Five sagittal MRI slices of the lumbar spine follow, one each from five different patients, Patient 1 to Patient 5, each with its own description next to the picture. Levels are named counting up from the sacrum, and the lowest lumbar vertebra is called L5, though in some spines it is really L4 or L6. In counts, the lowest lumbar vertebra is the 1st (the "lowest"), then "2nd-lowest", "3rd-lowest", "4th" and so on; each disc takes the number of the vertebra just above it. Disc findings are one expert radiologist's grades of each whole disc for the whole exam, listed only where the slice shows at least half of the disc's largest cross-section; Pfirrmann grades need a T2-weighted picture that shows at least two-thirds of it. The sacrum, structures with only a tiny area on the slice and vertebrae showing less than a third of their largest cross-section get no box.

Patient 1 of 5:
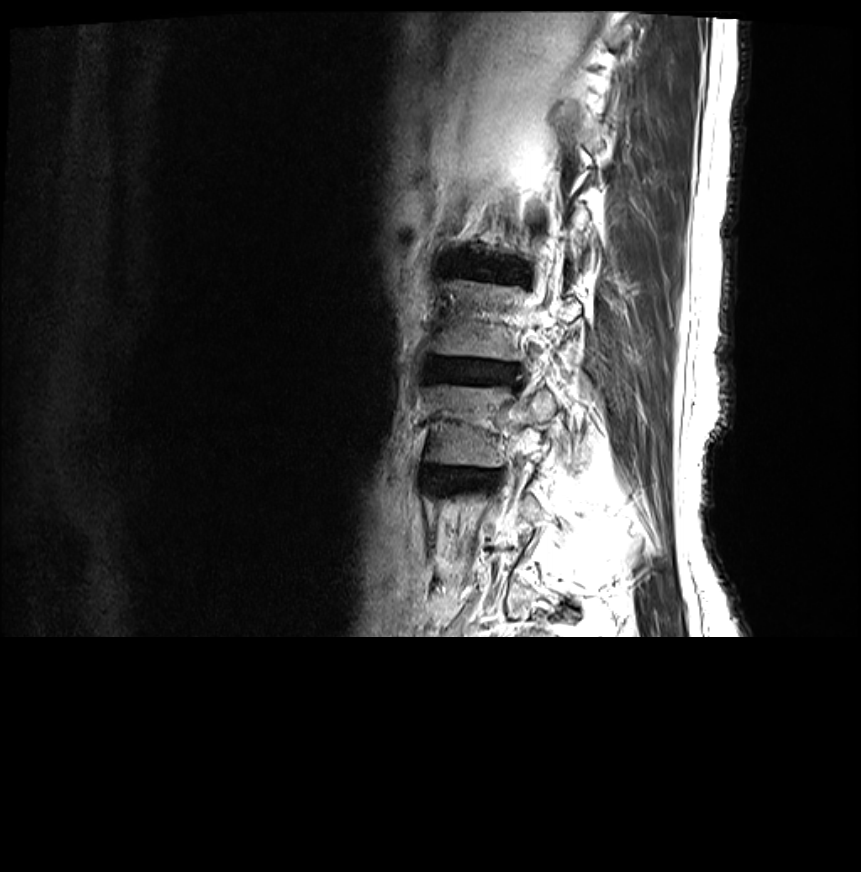
Sagittal T2-weighted lumbar spine MRI | Field of view 300x304 mm, slice spacing 3.3 mm

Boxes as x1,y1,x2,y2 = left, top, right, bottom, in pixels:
3rd-lowest vertebra at 429,385,557,467.
5th disc at 447,261,524,279.
3rd-lowest disc at 441,471,483,486.
4th vertebra at 430,280,581,362.
4th disc at 427,361,515,382.

Degenerative findings by level:
- 5th disc: upper-endplate change, disc bulging, lower-endplate change, Modic type II, disc narrowing
- 4th disc: Pfirrmann grade 4, disc bulging, Modic type II, disc narrowing, lower-endplate change, upper-endplate change

Patient 2 of 5:
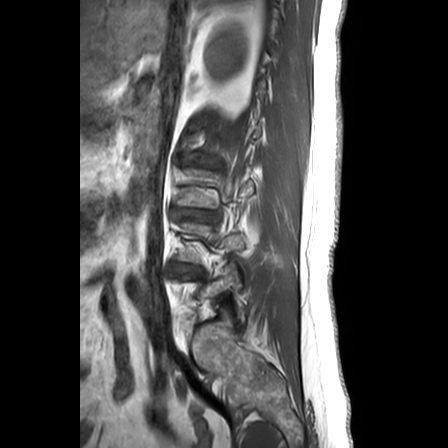 Slice 5/24, Sex F, Lumbar spine MR, T1-weighted, sagittal
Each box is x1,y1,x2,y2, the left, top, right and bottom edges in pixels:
{"L4/L5": "174,265,199,272", "L3/L4": "177,209,213,221"}

Expert MSK radiologist gradings (per disc):
• L3/L4: Modic type II, disc bulging, disc narrowing, lower-endplate change, upper-endplate change

Patient 3 of 5:
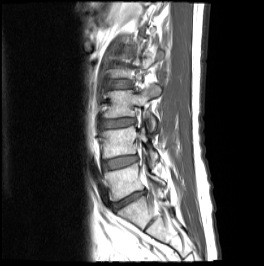

Patient sex: M; T1-weighted sagittal MRI of the lumbar spine
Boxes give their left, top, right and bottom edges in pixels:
3rd-lowest vertebra: left=104, top=85, right=161, bottom=131 | lowest vertebra: left=104, top=163, right=165, bottom=201 | 2nd-lowest vertebra: left=100, top=126, right=158, bottom=165 | lowest disc: left=112, top=190, right=145, bottom=210 | 4th disc: left=113, top=81, right=129, bottom=88 | 2nd-lowest disc: left=103, top=155, right=137, bottom=169 | 3rd-lowest disc: left=101, top=118, right=135, bottom=128

Per-level radiological findings:
• 3rd-lowest disc: upper-endplate change, disc bulging
• lowest disc: disc bulging, disc narrowing, disc herniation, Modic type II
• 2nd-lowest disc: disc bulging

Patient 4 of 5:
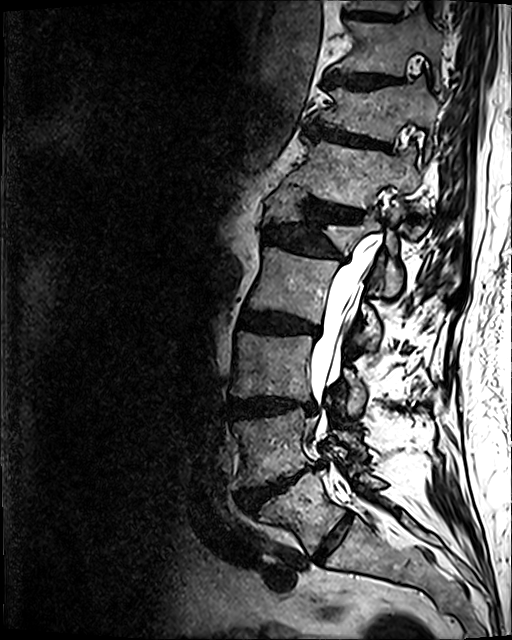

Lumbar spine MR, T2 SPACE (3D), sagittal; Sagittal slice index 52

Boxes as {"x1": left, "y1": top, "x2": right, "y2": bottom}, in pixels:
IVD L5/S1 at {"x1": 313, "y1": 512, "x2": 352, "y2": 562} | L4 at {"x1": 233, "y1": 408, "x2": 365, "y2": 485} | L1 vertebra at {"x1": 264, "y1": 185, "x2": 404, "y2": 295} | L3/L4 at {"x1": 230, "y1": 397, "x2": 315, "y2": 418} | L2/L3 at {"x1": 239, "y1": 312, "x2": 318, "y2": 334} | IVD T9/T10 at {"x1": 348, "y1": 11, "x2": 395, "y2": 19} | T12 vertebra at {"x1": 288, "y1": 138, "x2": 427, "y2": 237} | L5 vertebra at {"x1": 262, "y1": 472, "x2": 384, "y2": 555} | T12/L1 at {"x1": 301, "y1": 198, "x2": 364, "y2": 222} | T11 vertebra at {"x1": 308, "y1": 82, "x2": 438, "y2": 156} | T11/T12 at {"x1": 305, "y1": 123, "x2": 387, "y2": 148} | L2 vertebra at {"x1": 247, "y1": 247, "x2": 381, "y2": 348} | IVD L4/L5 at {"x1": 243, "y1": 463, "x2": 322, "y2": 512} | L1/L2 at {"x1": 264, "y1": 224, "x2": 343, "y2": 259} | L3 vertebra at {"x1": 230, "y1": 332, "x2": 365, "y2": 415} | T10 at {"x1": 335, "y1": 15, "x2": 444, "y2": 88} | T10/T11 at {"x1": 325, "y1": 73, "x2": 401, "y2": 87} | thecal sac / spinal canal at {"x1": 310, "y1": 235, "x2": 381, "y2": 487}

Degenerative findings by level:
  L2/L3: Pfirrmann grade 4, disc bulging, upper-endplate change, disc narrowing, lower-endplate change, Modic type II
  L3/L4: Pfirrmann grade 4, upper-endplate change, disc narrowing, lower-endplate change, disc bulging
  T11/T12: Pfirrmann grade 4, upper-endplate change, lower-endplate change, disc narrowing, disc bulging
  L4/L5: Pfirrmann grade 5, disc bulging, disc herniation, lower-endplate change, Modic type II, upper-endplate change, disc narrowing
  L1/L2: Pfirrmann grade 4, disc narrowing, disc bulging, upper-endplate change, lower-endplate change
  T10/T11: Pfirrmann grade 4, lower-endplate change, disc bulging, upper-endplate change
  L5/S1: Pfirrmann grade 2
  T12/L1: Pfirrmann grade 4, disc narrowing, disc bulging, upper-endplate change, lower-endplate change

Patient 5 of 5:
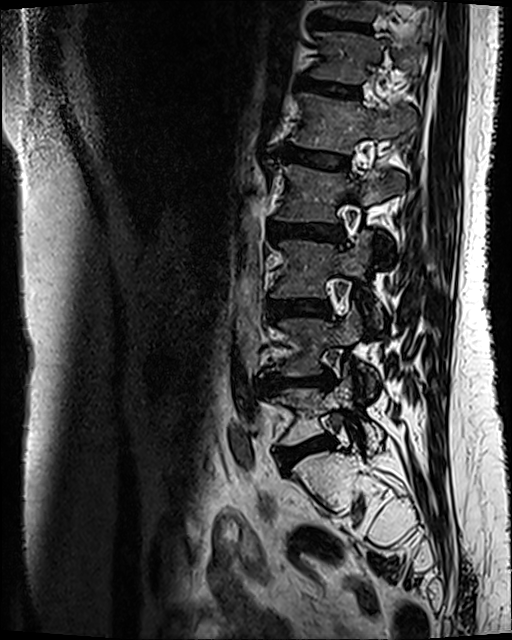 512x640 px | Sagittal T2 SPACE (3D) lumbar spine MRI | Slice 86 of 120

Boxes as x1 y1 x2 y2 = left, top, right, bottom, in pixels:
disc L1/L2: 280 145 348 168
disc L3/L4: 269 300 330 316
disc T11/T12: 319 21 368 30
L2: 276 165 404 221
L4: 261 305 376 396
T12/L1: 301 81 360 97
L5/S1: 277 435 334 469
L3: 272 232 379 323
L1: 292 94 414 154
L5: 271 378 383 447
L2/L3: 269 222 344 240
T12 vertebra: 312 32 424 83
disc L4/L5: 257 373 332 392

Degenerative findings by level:
• L3/L4: Pfirrmann grade 3, disc bulging, Modic type II
• L2/L3: Pfirrmann grade 3, disc bulging, Modic type II
• T12/L1: Pfirrmann grade 3, Modic type II
• L1/L2: Pfirrmann grade 3, Modic type II